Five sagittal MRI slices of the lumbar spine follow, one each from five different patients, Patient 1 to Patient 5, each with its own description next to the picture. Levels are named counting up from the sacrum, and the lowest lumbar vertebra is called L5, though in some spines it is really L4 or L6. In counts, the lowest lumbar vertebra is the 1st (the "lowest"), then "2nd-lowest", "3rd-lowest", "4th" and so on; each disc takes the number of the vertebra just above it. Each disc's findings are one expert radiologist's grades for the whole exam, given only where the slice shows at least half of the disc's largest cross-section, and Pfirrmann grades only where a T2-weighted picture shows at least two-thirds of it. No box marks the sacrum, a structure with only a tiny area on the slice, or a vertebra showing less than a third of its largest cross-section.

Patient 1 of 5:
Patient sex: M, Sagittal T1-weighted lumbar spine MRI

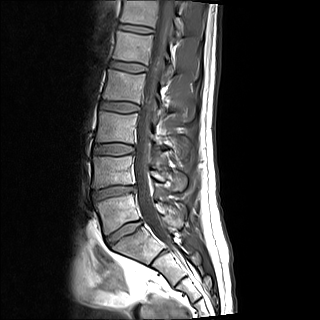 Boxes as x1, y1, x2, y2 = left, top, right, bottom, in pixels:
Intervertebral disc T12/L1 = 119, 23, 152, 33.
L4 = 93, 156, 187, 190.
L1 vertebra = 112, 31, 195, 80.
L1/L2 = 110, 60, 146, 72.
T12 vertebra = 120, 0, 181, 37.
L3 vertebra = 96, 111, 190, 158.
L5 vertebra = 95, 194, 178, 234.
Spinal canal = 134, 0, 174, 243.
L3/L4 = 92, 144, 132, 155.
Intervertebral disc L5/S1 = 106, 221, 141, 246.
L4/L5 = 92, 186, 134, 201.
Intervertebral disc L2/L3 = 100, 101, 138, 112.
L2 vertebra = 103, 69, 195, 121.

Radiological gradings:
- L5/S1: disc bulging
- L4/L5: disc narrowing, disc herniation
- L1/L2, T12/L1, L2/L3, L3/L4: no herniation, bulging, narrowing, spondylolisthesis, endplate or Modic change recorded

Patient 2 of 5:
T2 SPACE (3D) sagittal MRI of the lumbar spine
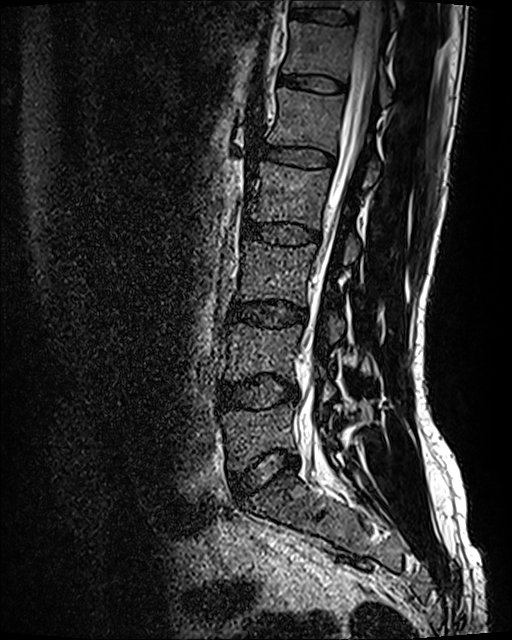
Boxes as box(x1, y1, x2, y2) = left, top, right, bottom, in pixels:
4th disc at box(243, 221, 318, 244); 7th vertebra at box(294, 0, 393, 12); 6th vertebra at box(283, 20, 392, 103); 6th disc at box(279, 75, 343, 92); 5th disc at box(261, 144, 333, 167); lowest disc at box(231, 451, 298, 498); 5th vertebra at box(267, 88, 379, 185); 7th disc at box(290, 7, 355, 24); 4th vertebra at box(245, 161, 361, 264); 2nd-lowest disc at box(221, 375, 297, 408); lowest vertebra at box(221, 402, 336, 471); 3rd-lowest vertebra at box(236, 240, 344, 341); 3rd-lowest disc at box(229, 301, 305, 327); spinal canal at box(304, 1, 384, 457); 2nd-lowest vertebra at box(225, 324, 336, 400).

Degenerative findings by level:
  5th disc: Pfirrmann grade 2
  4th disc: Pfirrmann grade 2
  lowest disc: Pfirrmann grade 2, disc bulging
  3rd-lowest disc: Pfirrmann grade 2, disc bulging
  6th disc: Pfirrmann grade 2
  2nd-lowest disc: Pfirrmann grade 2, disc bulging
  7th disc: Pfirrmann grade 2

Patient 3 of 5:
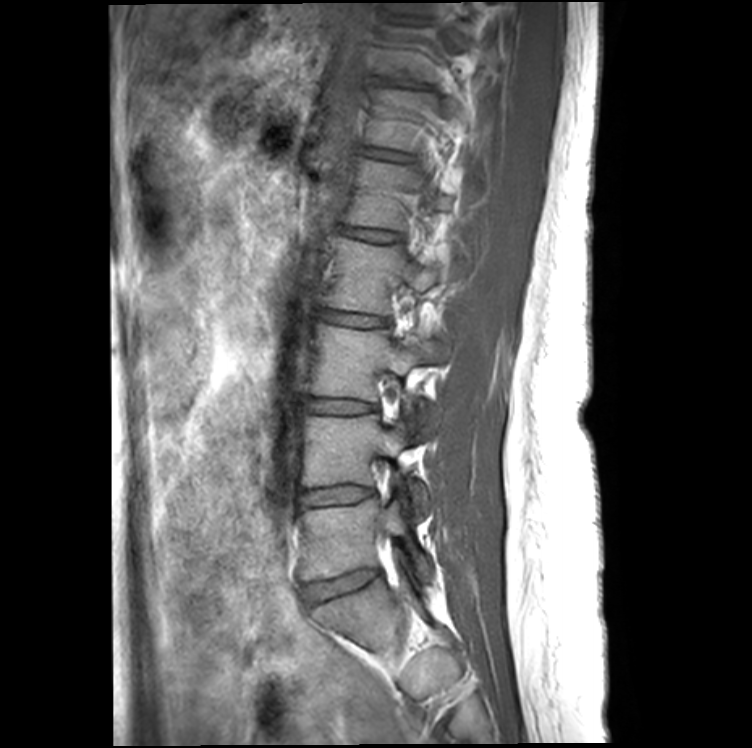 Lumbar spine MR, T1-weighted, sagittal

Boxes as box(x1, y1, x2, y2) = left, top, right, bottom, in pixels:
Annotations:
* 3rd-lowest disc — box(304, 398, 374, 413)
* lowest disc — box(304, 569, 378, 603)
* 6th vertebra — box(367, 90, 426, 150)
* 2nd-lowest disc — box(299, 485, 373, 506)
* 5th disc — box(346, 229, 399, 242)
* 5th vertebra — box(348, 159, 450, 229)
* 6th disc — box(367, 149, 404, 160)
* 4th vertebra — box(328, 237, 449, 315)
* 4th disc — box(322, 311, 384, 327)
* 2nd-lowest vertebra — box(301, 415, 426, 506)
* lowest vertebra — box(299, 500, 433, 580)
* 3rd-lowest vertebra — box(309, 325, 446, 423)

Expert MSK radiologist gradings (per disc):
  lowest disc: lower-endplate change
  2nd-lowest disc, 3rd-lowest disc, 5th disc, 4th disc: no spondylolisthesis, narrowing, bulging, herniation, Modic or endplate change recorded

Patient 4 of 5:
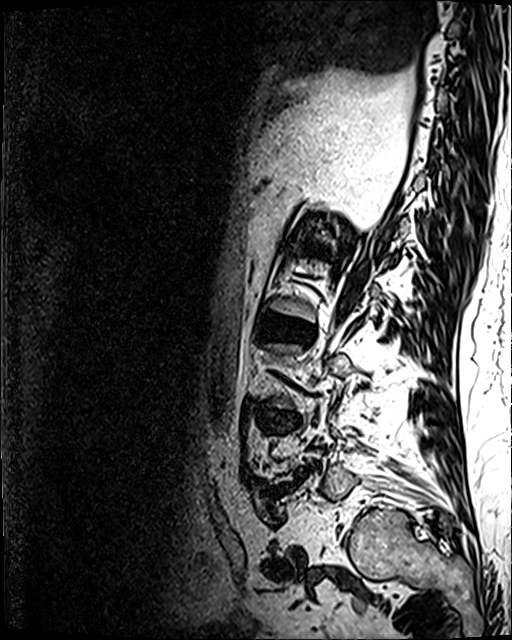 T2 SPACE (3D) sagittal MRI of the lumbar spine | Sex M | Slice spacing 0.9 mm
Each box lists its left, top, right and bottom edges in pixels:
L3/L4 at left=280, top=416, right=298, bottom=424; L4/L5 at left=265, top=484, right=292, bottom=502; L2/L3 at left=287, top=319, right=314, bottom=335.

Patient 5 of 5:
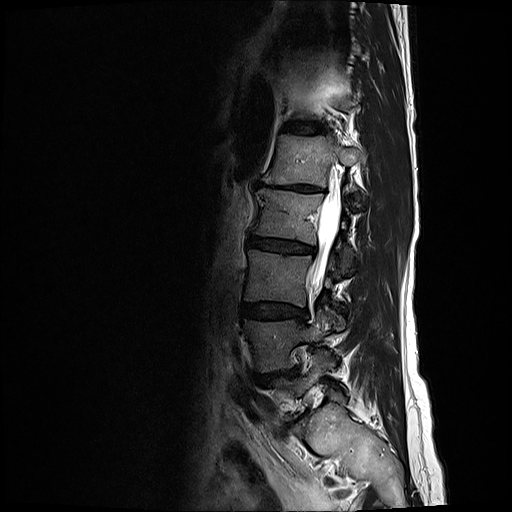 T2-weighted sagittal MRI of the lumbar spine | Image 512x512

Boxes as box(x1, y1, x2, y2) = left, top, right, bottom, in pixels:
thecal sac / spinal canal: box(311, 198, 337, 285)
4th disc: box(250, 236, 315, 254)
3rd-lowest vertebra: box(246, 249, 333, 307)
3rd-lowest disc: box(242, 303, 308, 320)
6th disc: box(287, 123, 321, 133)
2nd-lowest vertebra: box(245, 309, 334, 373)
5th vertebra: box(270, 134, 366, 186)
2nd-lowest disc: box(254, 369, 298, 382)
5th disc: box(263, 180, 325, 194)
4th vertebra: box(254, 188, 352, 256)

Per-level radiological findings:
- 3rd-lowest disc: Pfirrmann grade 3, disc bulging
- 5th disc: Pfirrmann grade 5, disc narrowing, disc bulging, lower-endplate change, Modic type II, upper-endplate change
- 4th disc: Pfirrmann grade 3, disc bulging, disc narrowing
- 2nd-lowest disc: Modic type II, disc bulging, disc narrowing